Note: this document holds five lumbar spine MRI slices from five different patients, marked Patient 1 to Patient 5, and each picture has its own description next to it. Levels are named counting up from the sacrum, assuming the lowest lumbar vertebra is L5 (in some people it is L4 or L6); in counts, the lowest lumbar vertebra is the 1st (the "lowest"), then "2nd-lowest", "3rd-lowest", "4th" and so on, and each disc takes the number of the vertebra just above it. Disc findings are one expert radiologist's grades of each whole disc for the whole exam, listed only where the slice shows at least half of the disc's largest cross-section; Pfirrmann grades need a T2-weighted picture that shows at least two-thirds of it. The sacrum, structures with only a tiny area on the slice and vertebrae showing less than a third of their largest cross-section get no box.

Patient 1 of 5:
Sagittal T1-weighted lumbar spine MRI
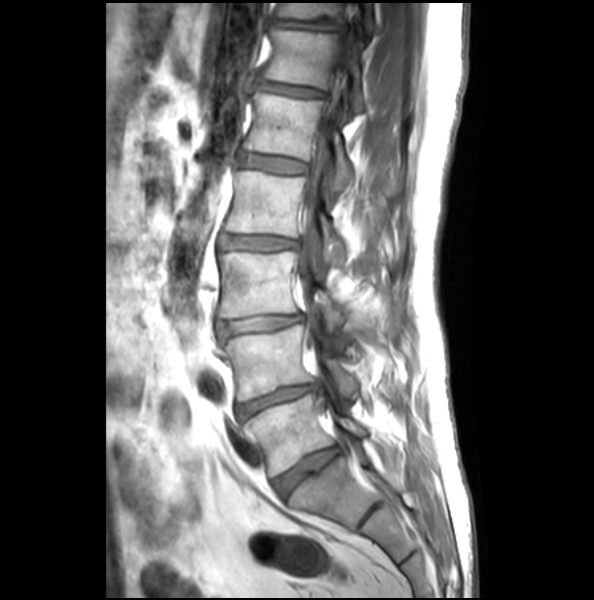 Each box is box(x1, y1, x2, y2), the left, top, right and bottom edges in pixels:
T12 vertebra at box(262, 26, 366, 112); L3 at box(219, 251, 349, 332); spinal canal at box(298, 62, 349, 344); T11/T12 at box(274, 20, 344, 32); L5/S1 at box(273, 445, 340, 499); L2 at box(225, 171, 348, 264); L5 vertebra at box(244, 393, 369, 476); L1 at box(244, 92, 354, 198); L4 at box(223, 325, 361, 401); T12/L1 at box(259, 82, 324, 97); IVD L2/L3 at box(221, 235, 297, 251); T11 vertebra at box(278, 3, 374, 30); IVD L3/L4 at box(217, 314, 303, 337); IVD L4/L5 at box(236, 384, 319, 421); L1/L2 at box(241, 153, 307, 174).

Per-level radiological findings:
- L1/L2: upper-endplate change
- L4/L5: lower-endplate change, disc narrowing, disc bulging
- T12/L1: disc bulging, upper-endplate change
- L3/L4: disc bulging, disc narrowing
- L2/L3: disc narrowing, disc bulging
- T11/T12: upper-endplate change, disc bulging, lower-endplate change
- L5/S1: lower-endplate change, upper-endplate change

Patient 2 of 5:
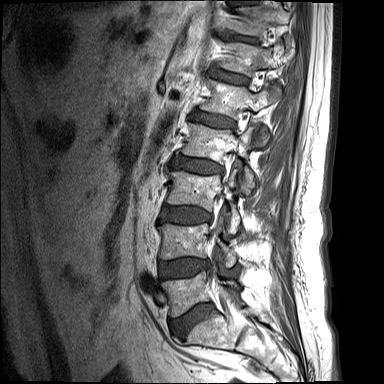
MRI lumbar spine (T1-weighted), sagittal plane. Slice 11 of 15.
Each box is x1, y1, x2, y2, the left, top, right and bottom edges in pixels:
T11 at 230, 5, 291, 51; T12 at 218, 43, 283, 95; L2 at 179, 124, 254, 193; L1 at 201, 80, 270, 145; IVD L2/L3 at 173, 157, 223, 173; T11/T12 at 225, 34, 258, 43; L3 at 167, 170, 240, 233; IVD L4/L5 at 161, 259, 209, 278; L1/L2 at 192, 111, 234, 128; IVD L3/L4 at 160, 206, 211, 223; L5/S1 at 171, 303, 213, 337; IVD T12/L1 at 211, 68, 249, 85; L4 vertebra at 159, 224, 236, 266; L5 at 162, 272, 237, 317.

Radiological gradings:
  T11/T12: upper-endplate change, disc narrowing, lower-endplate change
  L5/S1: disc bulging
  L4/L5: disc bulging
  L1/L2: upper-endplate change, lower-endplate change
  L3/L4: disc bulging, upper-endplate change, lower-endplate change
  L2/L3: lower-endplate change, upper-endplate change, disc bulging
  T12/L1: no herniation, bulging, narrowing, spondylolisthesis, endplate or Modic change recorded

Patient 3 of 5:
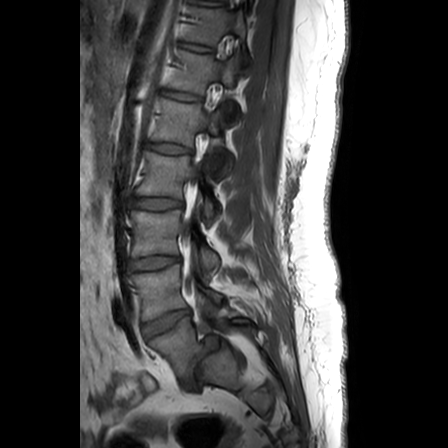 Sex F | Sagittal T1-weighted lumbar spine MRI

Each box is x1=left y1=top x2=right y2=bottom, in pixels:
L4/L5 — x1=144 y1=309 x2=190 y2=338.
T12 — x1=170 y1=50 x2=236 y2=94.
L4 — x1=134 y1=265 x2=224 y2=321.
T11/T12 — x1=180 y1=42 x2=209 y2=51.
Disc T12/L1 — x1=164 y1=91 x2=201 y2=100.
L3/L4 — x1=132 y1=256 x2=180 y2=271.
T11 vertebra — x1=184 y1=8 x2=246 y2=44.
L5/S1 — x1=188 y1=335 x2=221 y2=379.
L1/L2 — x1=147 y1=142 x2=189 y2=154.
Disc L2/L3 — x1=133 y1=198 x2=182 y2=209.
L2 — x1=137 y1=152 x2=215 y2=219.
L5 — x1=151 y1=317 x2=250 y2=377.
L1 vertebra — x1=151 y1=100 x2=227 y2=167.
L3 — x1=133 y1=210 x2=219 y2=270.

Degenerative findings by level:
  L4/L5: disc bulging
  L5/S1: disc narrowing, disc bulging, lower-endplate change, spondylolisthesis
  L2/L3, L1/L2, T12/L1, L3/L4, T11/T12: no spondylolisthesis, narrowing, bulging, herniation, Modic or endplate change recorded

Patient 4 of 5:
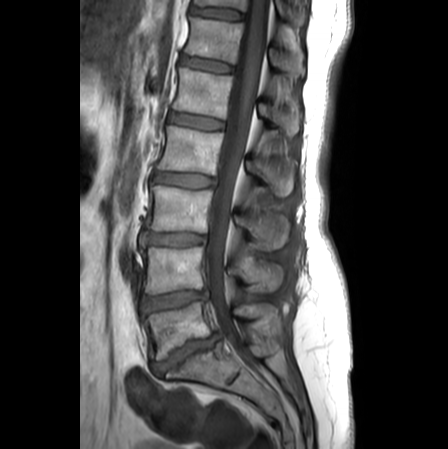

Field of view 280x280 mm, MRI lumbar spine (T1-weighted), sagittal plane
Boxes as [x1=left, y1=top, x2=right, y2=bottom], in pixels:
{"4th disc": "[x1=153, y1=173, x2=214, y2=188]", "7th vertebra": "[x1=194, y1=0, x2=305, y2=25]", "2nd-lowest disc": "[x1=143, y1=290, x2=207, y2=313]", "3rd-lowest disc": "[x1=142, y1=233, x2=205, y2=245]", "spinal canal": "[x1=205, y1=0, x2=270, y2=357]", "lowest disc": "[x1=151, y1=332, x2=220, y2=375]", "5th vertebra": "[x1=172, y1=68, x2=301, y2=135]", "7th disc": "[x1=191, y1=7, x2=242, y2=19]", "lowest vertebra": "[x1=145, y1=300, x2=272, y2=360]", "5th disc": "[x1=169, y1=113, x2=223, y2=129]", "6th vertebra": "[x1=185, y1=17, x2=305, y2=77]", "3rd-lowest vertebra": "[x1=146, y1=184, x2=289, y2=250]", "2nd-lowest vertebra": "[x1=141, y1=247, x2=283, y2=294]", "4th vertebra": "[x1=158, y1=126, x2=296, y2=196]", "6th disc": "[x1=181, y1=55, x2=232, y2=72]"}

Degenerative findings by level:
• lowest disc: disc herniation, upper-endplate change, Modic type II, lower-endplate change, disc narrowing
• 2nd-lowest disc: disc bulging, disc narrowing
• 4th disc: disc bulging
• 3rd-lowest disc: disc bulging
• 7th disc, 5th disc, 6th disc: no spondylolisthesis, narrowing, bulging, herniation, Modic or endplate change recorded

Patient 5 of 5:
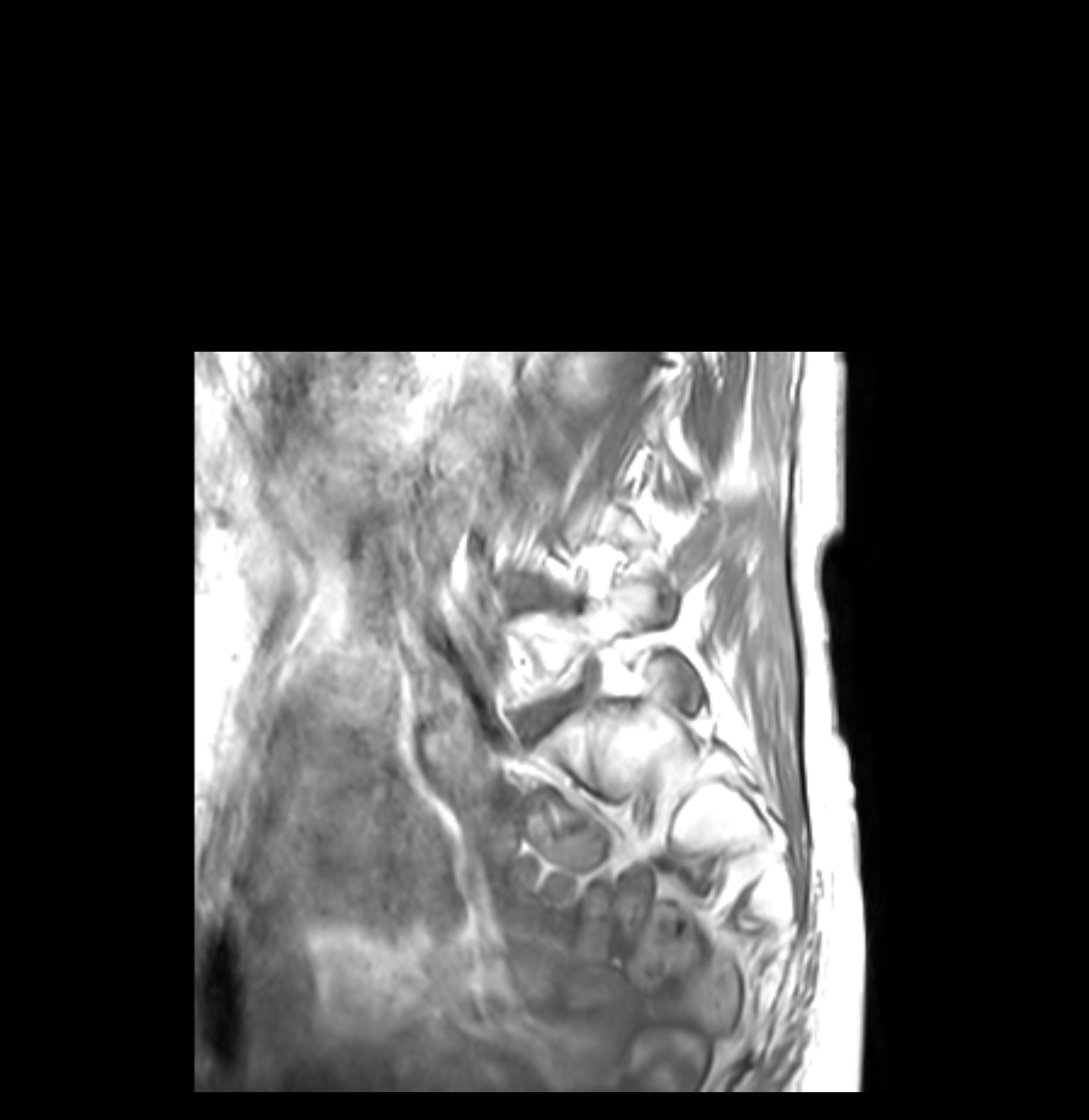 Sagittal T1-weighted lumbar spine MRI, Sagittal slice index 8, Sex F
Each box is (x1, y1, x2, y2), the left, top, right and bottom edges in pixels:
- lowest disc: (530, 699, 571, 727)
- lowest vertebra: (518, 580, 700, 714)